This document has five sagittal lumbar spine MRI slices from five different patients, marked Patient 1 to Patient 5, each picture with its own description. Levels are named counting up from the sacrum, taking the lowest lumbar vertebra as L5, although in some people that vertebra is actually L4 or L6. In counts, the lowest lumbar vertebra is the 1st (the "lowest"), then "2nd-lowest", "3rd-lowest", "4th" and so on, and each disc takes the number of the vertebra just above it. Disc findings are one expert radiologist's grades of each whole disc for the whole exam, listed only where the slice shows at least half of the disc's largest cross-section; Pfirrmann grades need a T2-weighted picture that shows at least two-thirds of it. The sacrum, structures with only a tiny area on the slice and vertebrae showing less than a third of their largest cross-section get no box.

Patient 1 of 5:
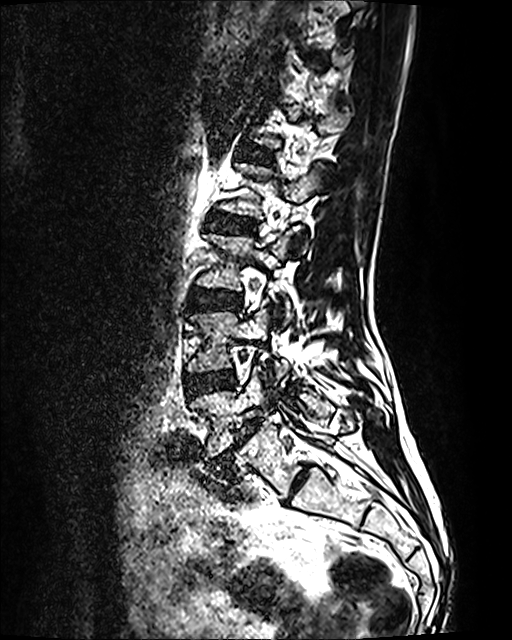 T2 SPACE (3D) sagittal MRI of the lumbar spine
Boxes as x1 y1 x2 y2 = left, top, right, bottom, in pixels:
IVD L3/L4 = 187 288 241 310.
L4 = 186 307 289 384.
L4/L5 = 185 371 236 397.
IVD L1/L2 = 251 148 273 161.
L2 vertebra = 218 162 318 254.
IVD L5/S1 = 209 417 262 471.
L3 vertebra = 195 233 291 325.
L2/L3 = 207 213 257 232.
L5 = 190 365 334 458.

Radiological gradings:
• L5/S1: spondylolisthesis, Modic type II, disc narrowing, disc bulging
• L3/L4: Pfirrmann grade 2
• L4/L5, L2/L3: no herniation, bulging, narrowing, spondylolisthesis, endplate or Modic change recorded

Patient 2 of 5:
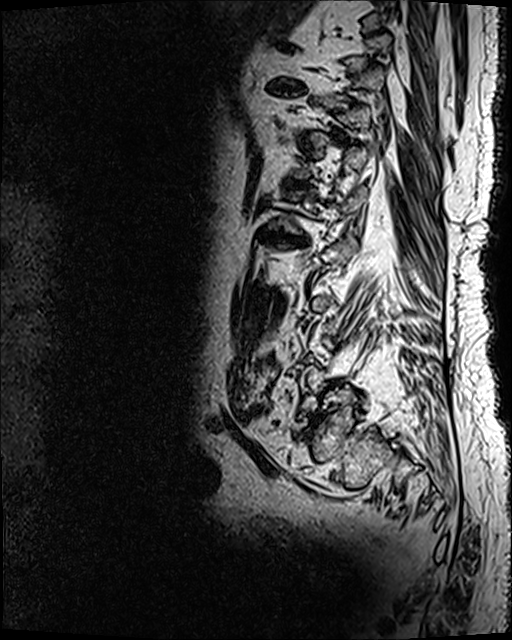 T2 SPACE (3D) sagittal MRI of the lumbar spine | Slice 91 of 120
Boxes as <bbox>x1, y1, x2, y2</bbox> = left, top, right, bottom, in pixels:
5th disc = <bbox>256, 228, 305, 245</bbox>.
8th disc = <bbox>268, 84, 301, 92</bbox>.
6th disc = <bbox>284, 178, 309, 189</bbox>.

Radiological gradings:
• 5th disc: upper-endplate change, disc bulging, Modic type II, disc narrowing, lower-endplate change

Patient 3 of 5:
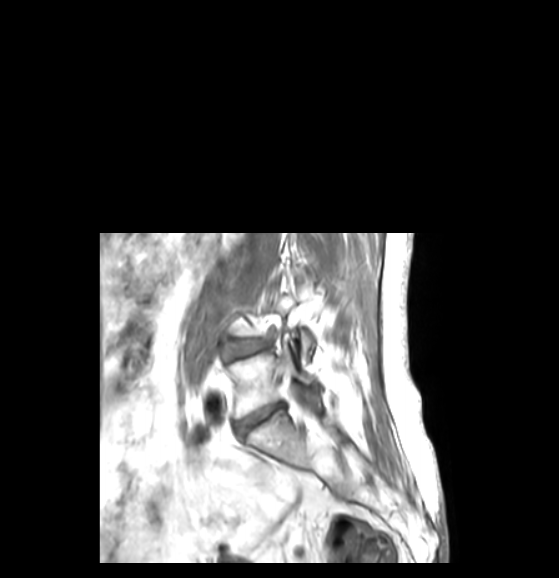
MRI lumbar spine (T1-weighted), sagittal plane.
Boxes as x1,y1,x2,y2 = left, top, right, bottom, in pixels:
L4/L5: 231,341,265,356.
L5/S1: 236,403,282,436.
L5: 230,344,320,418.

Expert MSK radiologist gradings (per disc):
• L5/S1: disc bulging, disc narrowing

Patient 4 of 5:
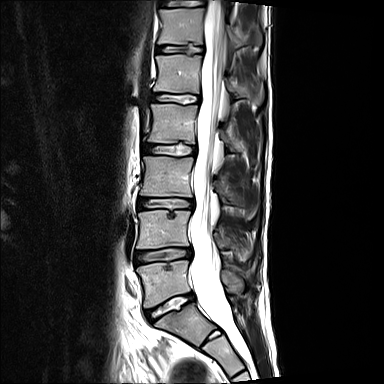 Sex M, Slice 7 of 15, T2-weighted sagittal MRI of the lumbar spine
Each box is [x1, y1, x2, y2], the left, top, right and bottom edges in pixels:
Annotations:
• T11 (7th vertebra): [168, 0, 203, 5]
• L4 (2nd-lowest vertebra): [136, 210, 253, 262]
• intervertebral disc L1/L2 (5th disc): [151, 94, 200, 103]
• L5 (lowest vertebra): [137, 260, 245, 307]
• intervertebral disc L5/S1 (lowest disc): [145, 293, 195, 322]
• L2 (4th vertebra): [144, 104, 240, 150]
• spinal canal: [190, 0, 242, 350]
• L2/L3 (4th disc): [144, 144, 196, 155]
• T12 (6th vertebra): [158, 8, 243, 48]
• T12/L1 (6th disc): [156, 45, 203, 53]
• L3 (3rd-lowest vertebra): [141, 156, 259, 219]
• intervertebral disc L3/L4 (3rd-lowest disc): [138, 198, 193, 209]
• L1 (5th vertebra): [154, 54, 263, 103]
• L4/L5 (2nd-lowest disc): [136, 248, 191, 263]
• T11/T12 (7th disc): [160, 2, 201, 7]

Expert MSK radiologist gradings (per disc):
- T12/L1 (6th disc): Pfirrmann grade 2, lower-endplate change, upper-endplate change
- L2/L3 (4th disc): Pfirrmann grade 2, lower-endplate change
- L4/L5 (2nd-lowest disc): Pfirrmann grade 2, upper-endplate change, lower-endplate change, disc bulging
- T11/T12 (7th disc): Pfirrmann grade 2, upper-endplate change
- L5/S1 (lowest disc): Pfirrmann grade 2, upper-endplate change
- L3/L4 (3rd-lowest disc): Pfirrmann grade 2, upper-endplate change, lower-endplate change, disc narrowing
- L1/L2 (5th disc): Pfirrmann grade 2

Patient 5 of 5:
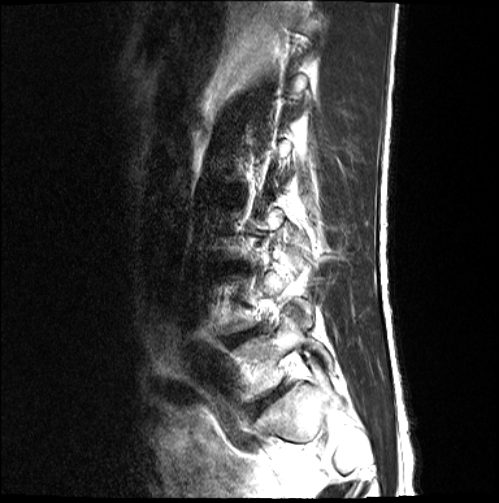

T2-weighted sagittal MRI of the lumbar spine, Slice 3/18

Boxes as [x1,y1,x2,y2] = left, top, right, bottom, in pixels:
Segmented structures:
- intervertebral disc L5/S1 — [269,387,282,400]
- L4/L5 — [230,331,252,342]
- L5 vertebra — [234,321,333,389]